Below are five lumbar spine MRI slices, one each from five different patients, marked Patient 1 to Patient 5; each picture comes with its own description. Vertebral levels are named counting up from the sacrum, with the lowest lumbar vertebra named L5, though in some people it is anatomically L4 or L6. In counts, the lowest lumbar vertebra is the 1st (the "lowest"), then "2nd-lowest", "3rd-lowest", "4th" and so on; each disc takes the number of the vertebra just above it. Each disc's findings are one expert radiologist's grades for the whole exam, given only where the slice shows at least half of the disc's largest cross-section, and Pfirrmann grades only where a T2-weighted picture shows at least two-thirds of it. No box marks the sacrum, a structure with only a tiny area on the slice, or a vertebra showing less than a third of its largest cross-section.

Patient 1 of 5:
Sagittal slice index 41. Sex F. T2 SPACE (3D) sagittal MRI of the lumbar spine.
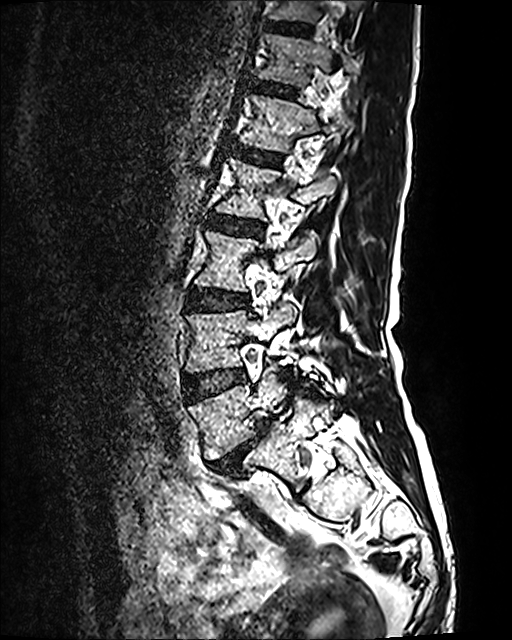 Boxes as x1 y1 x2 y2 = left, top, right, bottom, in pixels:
{"T12 vertebra": "258 34 354 86", "disc L3/L4": "188 289 246 309", "L3": "196 231 316 291", "L5": "188 367 333 459", "disc T11/T12": "269 23 308 33", "L4": "185 302 295 372", "disc L2/L3": "207 215 262 235", "L4/L5": "184 370 244 401", "L1/L2": "232 145 280 165", "T11 vertebra": "270 0 356 21", "disc L5/S1": "210 420 270 472", "L1": "240 95 346 151", "disc T12/L1": "256 82 292 95", "L2": "217 158 336 218"}

Radiological gradings:
  L5/S1: Pfirrmann grade 5, disc narrowing, spondylolisthesis, disc bulging, Modic type II
  L3/L4: Pfirrmann grade 2
  L2/L3: Pfirrmann grade 2
  L4/L5: Pfirrmann grade 2
  T12/L1, L1/L2, T11/T12: no Modic or endplate change, herniation, narrowing, bulging or spondylolisthesis recorded

Patient 2 of 5:
SIEMENS Aera (1.5T), Slice 10/15, T1-weighted sagittal MRI of the lumbar spine, Field of view 280x280 mm, Patient sex: M 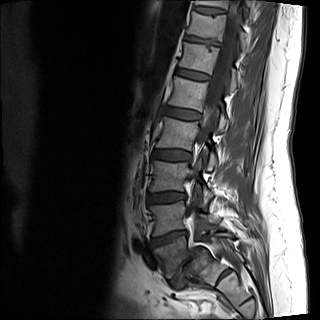
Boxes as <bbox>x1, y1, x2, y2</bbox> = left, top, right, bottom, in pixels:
7th disc at <bbox>185, 35, 220, 45</bbox>.
Lowest disc at <bbox>171, 247, 202, 288</bbox>.
8th vertebra at <bbox>195, 0, 251, 17</bbox>.
8th disc at <bbox>195, 6, 224, 14</bbox>.
7th vertebra at <bbox>187, 11, 248, 51</bbox>.
3rd-lowest vertebra at <bbox>149, 160, 213, 203</bbox>.
4th disc at <bbox>151, 149, 191, 161</bbox>.
Thecal sac / spinal canal at <bbox>187, 0, 242, 274</bbox>.
6th disc at <bbox>176, 69, 209, 80</bbox>.
4th vertebra at <bbox>156, 117, 217, 169</bbox>.
5th disc at <bbox>165, 107, 200, 119</bbox>.
2nd-lowest disc at <bbox>151, 230, 187, 247</bbox>.
3rd-lowest disc at <bbox>147, 191, 186, 203</bbox>.
6th vertebra at <bbox>179, 42, 237, 91</bbox>.
Lowest vertebra at <bbox>154, 232, 234, 277</bbox>.
5th vertebra at <bbox>169, 76, 228, 131</bbox>.
2nd-lowest vertebra at <bbox>149, 200, 217, 236</bbox>.

Radiological gradings:
- 3rd-lowest disc: disc bulging
- lowest disc: upper-endplate change, Modic type II, spondylolisthesis, disc narrowing, disc bulging, lower-endplate change
- 8th disc: upper-endplate change
- 2nd-lowest disc: lower-endplate change, disc herniation, Modic type II, upper-endplate change, disc narrowing
- 5th disc: disc bulging
- 4th disc: disc bulging
- 7th disc: disc narrowing, lower-endplate change
- 6th disc: no Modic or endplate change, herniation, narrowing, bulging or spondylolisthesis recorded

Patient 3 of 5:
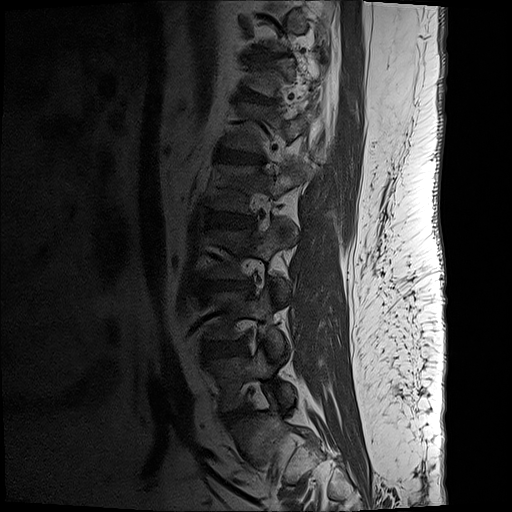 Slice 16 of 19. 512x512 px. Field of view 300x300 mm, slice spacing 3.3 mm. MRI lumbar spine (T1-weighted), sagittal plane.
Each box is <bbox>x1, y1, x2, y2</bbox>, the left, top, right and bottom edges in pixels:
IVD L1/L2 (5th disc) at <bbox>218, 147, 262, 164</bbox>, L5 (lowest vertebra) at <bbox>211, 350, 295, 409</bbox>, IVD L3/L4 (3rd-lowest disc) at <bbox>206, 282, 251, 292</bbox>, L2/L3 (4th disc) at <bbox>208, 215, 254, 228</bbox>, L5/S1 (lowest disc) at <bbox>223, 407, 246, 423</bbox>, L4 (2nd-lowest vertebra) at <bbox>209, 289, 284, 347</bbox>, T12/L1 (6th disc) at <bbox>241, 92, 273, 104</bbox>, L2 (4th vertebra) at <bbox>211, 165, 305, 213</bbox>, L3 (3rd-lowest vertebra) at <bbox>207, 221, 296, 299</bbox>, IVD L4/L5 (2nd-lowest disc) at <bbox>205, 342, 241, 358</bbox>, T11/T12 (7th disc) at <bbox>251, 52, 280, 60</bbox>.

Expert MSK radiologist gradings (per disc):
- L1/L2 (5th disc): lower-endplate change, Modic type II, upper-endplate change, disc narrowing, disc bulging

Patient 4 of 5:
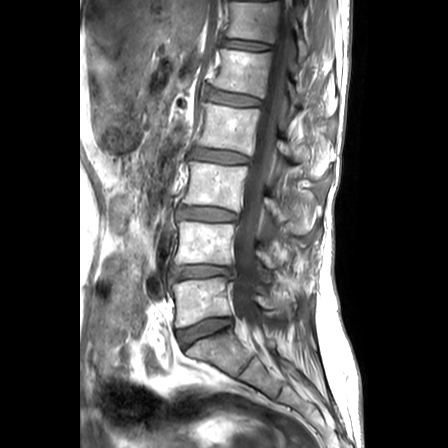
Field of view 280x280 mm, slice spacing 3.3 mm | T1-weighted sagittal MRI of the lumbar spine

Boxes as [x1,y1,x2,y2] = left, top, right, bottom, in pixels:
T12 at [228,2,308,62].
Intervertebral disc L1/L2 at [208,90,259,107].
Intervertebral disc T12/L1 at [224,39,269,50].
L2 vertebra at [197,103,334,177].
L4/L5 at [170,264,236,281].
Thecal sac / spinal canal at [231,0,293,329].
Intervertebral disc L2/L3 at [191,148,249,163].
L1 vertebra at [211,49,336,117].
L5/S1 at [177,317,232,347].
L3/L4 at [178,207,236,221].
L3 vertebra at [183,161,321,234].
L4 vertebra at [174,221,278,268].
L5 vertebra at [171,277,294,327].

Radiological gradings:
- T12/L1: Modic type II
- L3/L4: lower-endplate change, disc bulging, upper-endplate change
- L4/L5: lower-endplate change, disc herniation, upper-endplate change, disc narrowing
- L2/L3: upper-endplate change, disc bulging, Modic type II, lower-endplate change
- L1/L2: upper-endplate change, Modic type II, lower-endplate change
- L5/S1: no Modic or endplate change, herniation, narrowing, bulging or spondylolisthesis recorded

Patient 5 of 5:
Patient sex: M. MRI lumbar spine (T2-weighted), sagittal plane. Slice spacing 3.3 mm.

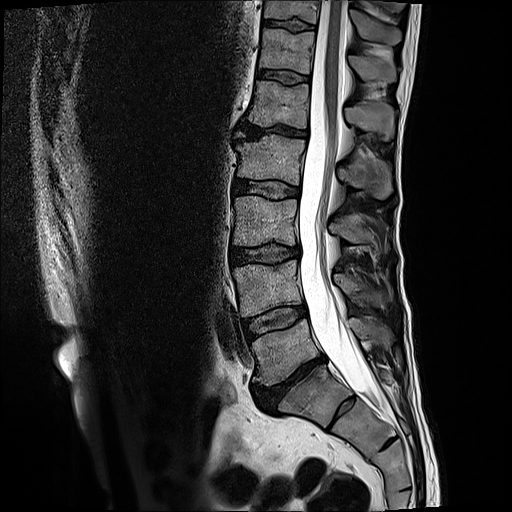

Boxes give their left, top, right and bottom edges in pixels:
5th disc at left=236, top=122, right=306, bottom=141.
Lowest vertebra at left=251, top=318, right=389, bottom=385.
6th vertebra at left=258, top=28, right=396, bottom=82.
2nd-lowest vertebra at left=234, top=260, right=381, bottom=316.
3rd-lowest vertebra at left=233, top=195, right=365, bottom=245.
2nd-lowest disc at left=244, top=306, right=305, bottom=337.
5th vertebra at left=247, top=81, right=393, bottom=138.
6th disc at left=257, top=68, right=307, bottom=83.
Lowest disc at left=255, top=355, right=325, bottom=408.
3rd-lowest disc at left=229, top=244, right=299, bottom=264.
4th disc at left=233, top=178, right=299, bottom=197.
Thecal sac / spinal canal at left=298, top=0, right=381, bottom=406.
4th vertebra at left=236, top=134, right=391, bottom=197.
7th vertebra at left=265, top=0, right=401, bottom=44.
7th disc at left=263, top=18, right=313, bottom=29.

Radiological gradings:
  2nd-lowest disc: Pfirrmann grade 3, Modic type II
  lowest disc: Pfirrmann grade 5, upper-endplate change, disc narrowing, Modic type II, lower-endplate change, disc bulging
  3rd-lowest disc: Pfirrmann grade 3, upper-endplate change, disc bulging, lower-endplate change
  6th disc: Pfirrmann grade 3
  7th disc: Pfirrmann grade 3, lower-endplate change, upper-endplate change
  4th disc: Pfirrmann grade 3
  5th disc: Pfirrmann grade 5, disc narrowing, upper-endplate change, Modic type II, lower-endplate change, disc bulging